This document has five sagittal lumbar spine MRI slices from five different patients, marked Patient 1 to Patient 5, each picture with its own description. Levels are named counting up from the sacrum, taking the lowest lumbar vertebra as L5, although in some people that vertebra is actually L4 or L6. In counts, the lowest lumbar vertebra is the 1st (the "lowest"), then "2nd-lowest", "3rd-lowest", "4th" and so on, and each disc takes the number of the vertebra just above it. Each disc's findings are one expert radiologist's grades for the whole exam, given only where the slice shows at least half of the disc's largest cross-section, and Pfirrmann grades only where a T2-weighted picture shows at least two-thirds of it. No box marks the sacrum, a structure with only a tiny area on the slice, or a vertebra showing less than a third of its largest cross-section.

Patient 1 of 5:
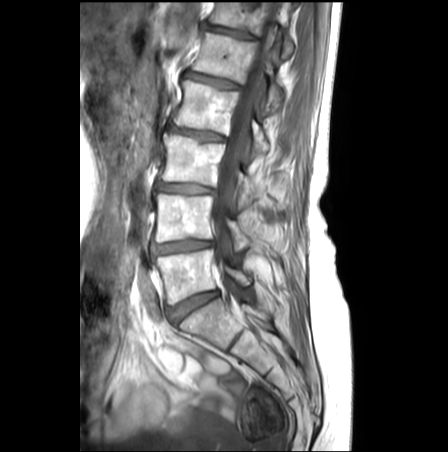

MRI lumbar spine (T1-weighted), sagittal plane; 448x452 px; Patient sex: F

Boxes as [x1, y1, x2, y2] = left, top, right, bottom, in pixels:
2nd-lowest disc: [152, 240, 212, 254].
3rd-lowest vertebra: [160, 133, 259, 210].
5th vertebra: [192, 32, 282, 114].
6th disc: [205, 25, 253, 39].
Lowest disc: [167, 291, 217, 323].
3rd-lowest disc: [155, 182, 213, 193].
Lowest vertebra: [154, 249, 251, 304].
2nd-lowest vertebra: [153, 192, 251, 249].
6th vertebra: [209, 2, 293, 58].
5th disc: [185, 72, 238, 89].
4th vertebra: [172, 80, 268, 157].
4th disc: [168, 125, 225, 141].
Spinal canal: [211, 2, 279, 280].

Per-level radiological findings:
  2nd-lowest disc: disc narrowing, lower-endplate change, upper-endplate change, Modic type II, disc bulging
  6th disc: upper-endplate change, lower-endplate change
  3rd-lowest disc: Modic type II, disc narrowing, lower-endplate change, disc bulging, upper-endplate change
  4th disc: disc narrowing, disc bulging, Modic type II, upper-endplate change, lower-endplate change
  5th disc: disc bulging, upper-endplate change, lower-endplate change
  lowest disc: no herniation, bulging, narrowing, spondylolisthesis, endplate or Modic change recorded

Patient 2 of 5:
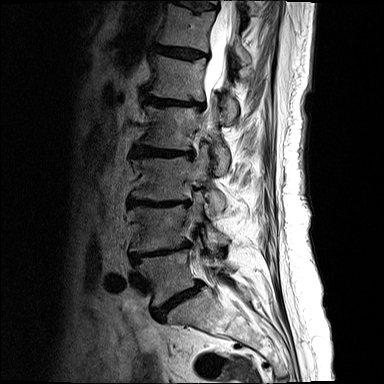 Sagittal slice index 11 | 384x384 px | MRI lumbar spine (T2-weighted), sagittal plane

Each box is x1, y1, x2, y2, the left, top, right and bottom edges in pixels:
L4: 130, 205, 228, 252.
L5/S1: 153, 282, 201, 319.
L1 vertebra: 149, 55, 238, 122.
L3 vertebra: 132, 146, 226, 213.
IVD L1/L2: 145, 96, 203, 108.
T11/T12: 179, 1, 216, 11.
L2: 141, 106, 229, 174.
L3/L4: 128, 199, 188, 206.
IVD L2/L3: 133, 145, 192, 157.
L4/L5: 131, 244, 188, 262.
L5 vertebra: 138, 250, 231, 305.
T12/L1: 154, 45, 206, 59.
T12: 157, 3, 250, 64.
Spinal canal: 199, 0, 238, 270.

Radiological gradings:
• L2/L3: Pfirrmann grade 5, disc narrowing, upper-endplate change, Modic type II, lower-endplate change, disc bulging
• T12/L1: Pfirrmann grade 4, lower-endplate change, disc bulging, Modic type II, upper-endplate change
• L4/L5: Pfirrmann grade 5, disc bulging, disc narrowing, lower-endplate change, Modic type II, upper-endplate change
• T11/T12: Pfirrmann grade 4, lower-endplate change, disc bulging, upper-endplate change, Modic type II
• L5/S1: Pfirrmann grade 5, lower-endplate change, disc narrowing, Modic type II, upper-endplate change, disc bulging, spondylolisthesis
• L3/L4: Pfirrmann grade 5, lower-endplate change, upper-endplate change, disc bulging, disc narrowing, Modic type II
• L1/L2: Pfirrmann grade 5, lower-endplate change, disc narrowing, disc bulging, upper-endplate change, Modic type II

Patient 3 of 5:
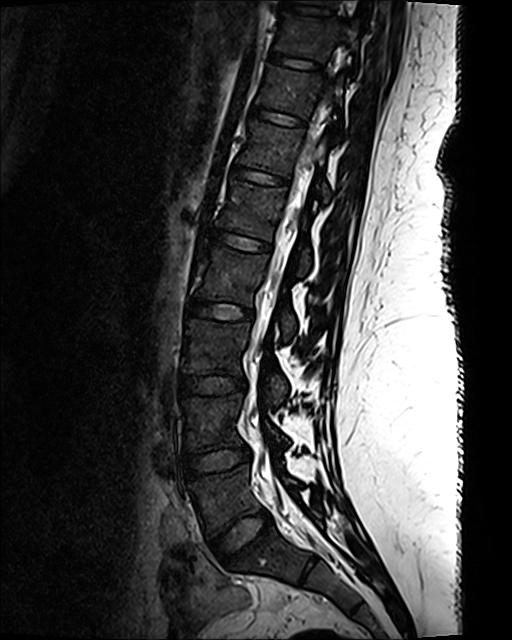 Sagittal T2 SPACE (3D) lumbar spine MRI; Slice 51 of 120; Slice spacing 0.9 mm; 512x640 px

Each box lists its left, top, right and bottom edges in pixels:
8th vertebra: left=276, top=14, right=359, bottom=60.
4th vertebra: left=198, top=246, right=296, bottom=338.
5th disc: left=208, top=229, right=269, bottom=251.
3rd-lowest disc: left=179, top=376, right=246, bottom=395.
3rd-lowest vertebra: left=183, top=318, right=287, bottom=404.
5th vertebra: left=217, top=181, right=310, bottom=272.
Lowest disc: left=211, top=511, right=272, bottom=565.
Spinal canal: left=261, top=0, right=352, bottom=546.
4th disc: left=188, top=298, right=252, bottom=319.
7th vertebra: left=257, top=66, right=343, bottom=140.
6th disc: left=233, top=166, right=286, bottom=185.
2nd-lowest vertebra: left=183, top=394, right=288, bottom=451.
6th vertebra: left=238, top=121, right=331, bottom=201.
Lowest vertebra: left=188, top=464, right=297, bottom=536.
8th disc: left=270, top=52, right=321, bottom=69.
7th disc: left=252, top=107, right=303, bottom=126.
2nd-lowest disc: left=184, top=445, right=250, bottom=478.

Expert MSK radiologist gradings (per disc):
  7th disc: Pfirrmann grade 1
  lowest disc: Pfirrmann grade 1
  2nd-lowest disc: Pfirrmann grade 1
  6th disc: Pfirrmann grade 1
  4th disc: Pfirrmann grade 1
  5th disc: Pfirrmann grade 1
  3rd-lowest disc: Pfirrmann grade 1
  8th disc: Pfirrmann grade 1

Patient 4 of 5:
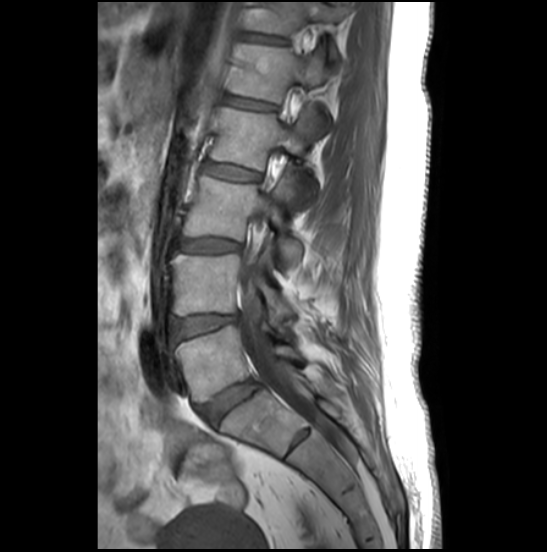 Slice 12 of 27. 547x552 px. Sagittal T1-weighted lumbar spine MRI. Sex F.
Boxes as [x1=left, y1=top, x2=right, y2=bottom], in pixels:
intervertebral disc T12/L1: [x1=250, y1=35, x2=282, y2=43]
L2 vertebra: [x1=209, y1=107, x2=321, y2=206]
intervertebral disc L2/L3: [x1=202, y1=162, x2=258, y2=181]
L1: [x1=230, y1=44, x2=330, y2=137]
T12 vertebra: [x1=253, y1=2, x2=350, y2=61]
intervertebral disc L4/L5: [x1=171, y1=315, x2=235, y2=340]
intervertebral disc L3/L4: [x1=176, y1=238, x2=238, y2=251]
spinal canal: [x1=237, y1=199, x2=319, y2=422]
intervertebral disc L5/S1: [x1=199, y1=381, x2=259, y2=422]
intervertebral disc L1/L2: [x1=226, y1=96, x2=274, y2=109]
L3 vertebra: [x1=182, y1=175, x2=301, y2=264]
L5 vertebra: [x1=175, y1=325, x2=303, y2=401]
L4: [x1=170, y1=254, x2=295, y2=323]

Per-level radiological findings:
  L1/L2: upper-endplate change
  L5/S1: disc bulging
  L4/L5: disc bulging
  L3/L4: disc bulging
  L2/L3: no Modic or endplate change, herniation, narrowing, bulging or spondylolisthesis recorded

Patient 5 of 5:
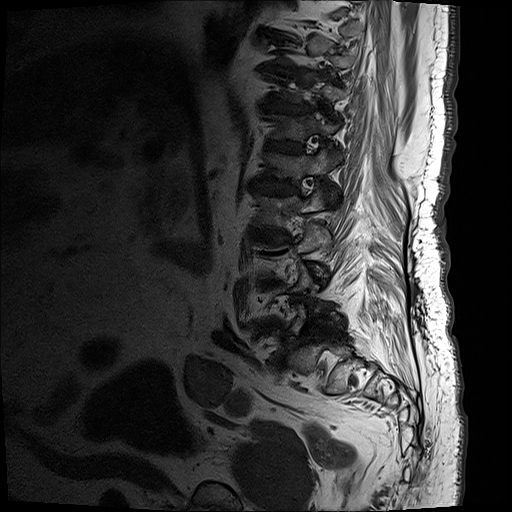

Lumbar spine MR, T1-weighted, sagittal | Slice 16/17 | Field of view 300x300 mm
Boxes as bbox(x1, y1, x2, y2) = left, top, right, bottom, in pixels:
Structures:
- intervertebral disc T10/T11 at bbox(259, 62, 296, 77)
- L1/L2 at bbox(249, 178, 298, 195)
- T12/L1 at bbox(265, 139, 303, 154)
- intervertebral disc L2/L3 at bbox(251, 229, 289, 241)
- L2 at bbox(254, 180, 328, 229)
- L1 vertebra at bbox(263, 144, 346, 193)
- intervertebral disc L4/L5 at bbox(253, 318, 284, 334)
- intervertebral disc L5/S1 at bbox(277, 355, 286, 367)
- L5 vertebra at bbox(283, 299, 341, 334)
- T12 at bbox(266, 112, 342, 141)
- intervertebral disc L3/L4 at bbox(259, 278, 280, 287)
- T11/T12 at bbox(263, 98, 310, 113)

Expert MSK radiologist gradings (per disc):
  T11/T12: Modic type II, upper-endplate change, lower-endplate change, disc bulging, disc narrowing
  T10/T11: disc bulging, disc narrowing, lower-endplate change, upper-endplate change, Modic type II
  L1/L2: disc narrowing, disc bulging, Modic type II, upper-endplate change, lower-endplate change
  T12/L1: lower-endplate change, Modic type II, upper-endplate change, disc bulging, disc narrowing